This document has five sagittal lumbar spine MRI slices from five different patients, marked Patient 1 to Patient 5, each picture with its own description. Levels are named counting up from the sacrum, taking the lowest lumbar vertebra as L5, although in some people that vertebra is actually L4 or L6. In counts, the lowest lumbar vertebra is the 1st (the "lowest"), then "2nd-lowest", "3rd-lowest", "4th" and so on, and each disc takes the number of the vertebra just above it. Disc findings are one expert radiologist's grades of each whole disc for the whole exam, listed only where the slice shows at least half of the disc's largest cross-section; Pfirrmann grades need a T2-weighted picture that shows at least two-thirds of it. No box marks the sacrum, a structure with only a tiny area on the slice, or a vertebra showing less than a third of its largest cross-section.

Patient 1 of 5:
Image 547x552, Sagittal slice index 5, Lumbar spine MR, T2-weighted, sagittal 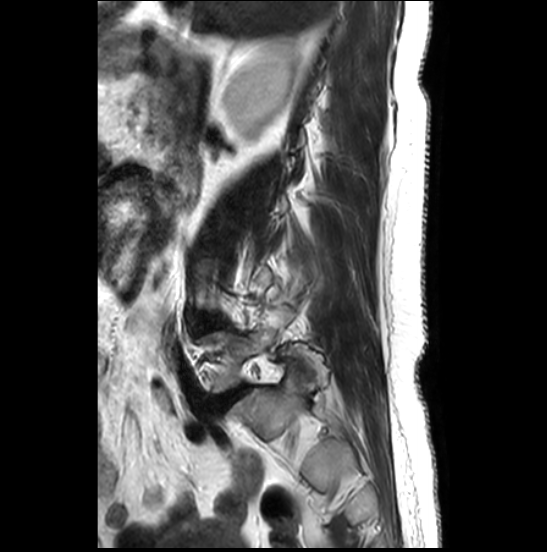

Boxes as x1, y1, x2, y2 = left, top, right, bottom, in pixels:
* L5 vertebra = 203, 330, 274, 392
* disc L5/S1 = 211, 386, 247, 411

Patient 2 of 5:
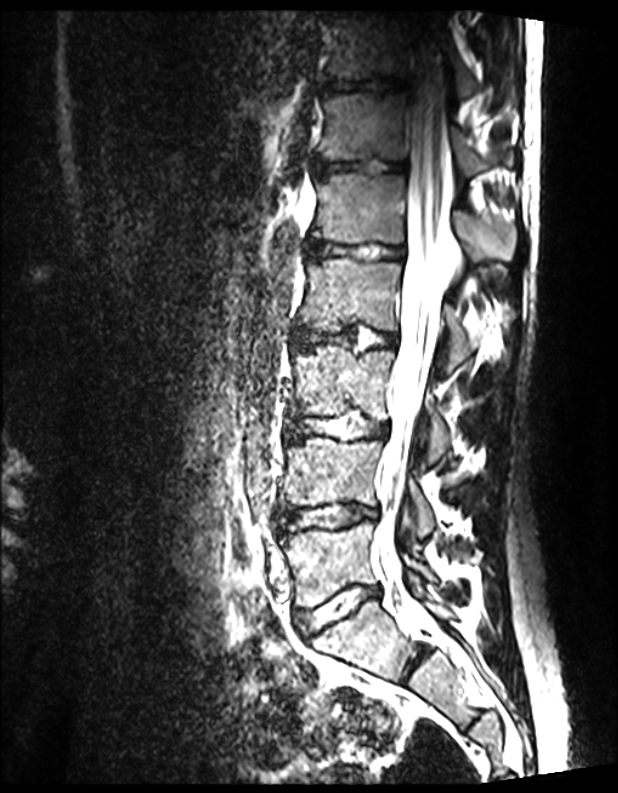
Image 618x793, Sex M, Sagittal T2 SPACE (3D) lumbar spine MRI
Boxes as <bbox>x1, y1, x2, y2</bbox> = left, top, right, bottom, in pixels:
6th vertebra — <bbox>317, 92, 512, 175</bbox> | 5th disc — <bbox>307, 238, 404, 260</bbox> | 4th disc — <bbox>293, 327, 398, 348</bbox> | 2nd-lowest vertebra — <bbox>282, 437, 434, 536</bbox> | 3rd-lowest vertebra — <bbox>292, 346, 449, 462</bbox> | 7th vertebra — <bbox>328, 14, 476, 97</bbox> | 5th vertebra — <bbox>313, 173, 518, 260</bbox> | 7th disc — <bbox>321, 77, 404, 93</bbox> | lowest vertebra — <bbox>281, 522, 435, 606</bbox> | 2nd-lowest disc — <bbox>279, 503, 377, 533</bbox> | 6th disc — <bbox>313, 159, 406, 175</bbox> | thecal sac / spinal canal — <bbox>371, 32, 449, 599</bbox> | 4th vertebra — <bbox>299, 258, 490, 371</bbox> | lowest disc — <bbox>299, 586, 378, 636</bbox> | 3rd-lowest disc — <bbox>289, 413, 387, 439</bbox>

Radiological gradings:
• 3rd-lowest disc: Pfirrmann grade 1
• 4th disc: Pfirrmann grade 1
• 2nd-lowest disc: Pfirrmann grade 1
• 5th disc: Pfirrmann grade 1
• lowest disc: Pfirrmann grade 1
• 6th disc: Pfirrmann grade 1
• 7th disc: Pfirrmann grade 1

Patient 3 of 5:
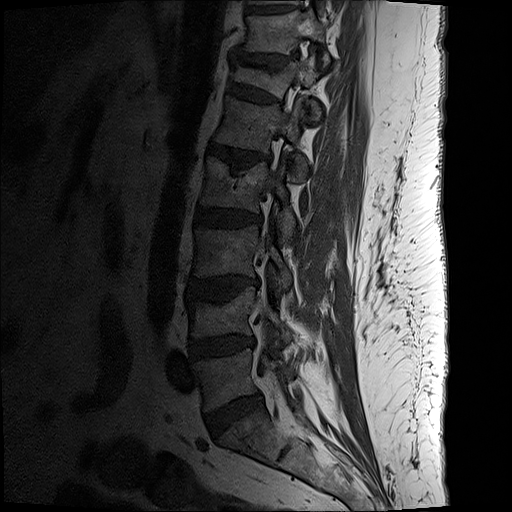 Sagittal T1-weighted lumbar spine MRI, Field of view 300x300 mm, slice spacing 3.3 mm, Sagittal slice index 5
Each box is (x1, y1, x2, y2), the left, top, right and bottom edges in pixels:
Structures:
• L5 at (195, 349, 293, 411)
• L1 vertebra at (215, 99, 306, 182)
• disc L3/L4 at (189, 277, 257, 299)
• disc L1/L2 at (208, 145, 260, 169)
• disc T11/T12 at (234, 54, 297, 72)
• T10/T11 at (247, 8, 290, 14)
• L5/S1 at (206, 393, 262, 434)
• L4 at (186, 287, 293, 341)
• thecal sac / spinal canal at (258, 314, 281, 402)
• T11 vertebra at (245, 11, 329, 66)
• L3 at (194, 225, 292, 290)
• L4/L5 at (190, 337, 250, 358)
• L2 vertebra at (201, 158, 295, 241)
• disc T12/L1 at (228, 84, 278, 103)
• T12 vertebra at (232, 58, 321, 120)
• L2/L3 at (195, 208, 261, 228)

Expert MSK radiologist gradings (per disc):
  L1/L2: disc bulging, lower-endplate change, upper-endplate change, Modic type II, disc narrowing
  L4/L5: disc bulging, disc narrowing
  T11/T12: disc narrowing, disc bulging, upper-endplate change, lower-endplate change
  L2/L3: lower-endplate change, disc bulging
  T12/L1: spondylolisthesis, upper-endplate change, lower-endplate change, disc bulging
  L3/L4: Modic type II, upper-endplate change, lower-endplate change, disc bulging
  L5/S1: disc bulging

Patient 4 of 5:
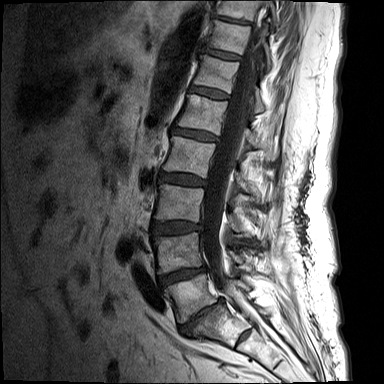 T1-weighted sagittal MRI of the lumbar spine. Sex F. Sagittal slice index 8.
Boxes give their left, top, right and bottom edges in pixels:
T10: left=215, top=0, right=276, bottom=23.
L3/L4: left=151, top=221, right=201, bottom=234.
Disc L2/L3: left=160, top=173, right=206, bottom=186.
T12: left=194, top=55, right=265, bottom=112.
T11 vertebra: left=206, top=20, right=271, bottom=69.
Disc L4/L5: left=158, top=266, right=206, bottom=286.
T11/T12: left=202, top=47, right=240, bottom=59.
L1 vertebra: left=177, top=94, right=278, bottom=160.
L1/L2: left=172, top=127, right=219, bottom=141.
Spinal canal: left=202, top=8, right=265, bottom=328.
L5/S1: left=179, top=298, right=223, bottom=334.
Disc T10/T11: left=213, top=14, right=251, bottom=25.
L3: left=154, top=184, right=240, bottom=232.
L4: left=153, top=232, right=243, bottom=273.
L5 vertebra: left=164, top=273, right=251, bottom=323.
Disc T12/L1: left=191, top=86, right=228, bottom=99.
L2: left=163, top=136, right=249, bottom=191.

Per-level radiological findings:
• T12/L1: Modic type II
• L3/L4: disc bulging
• T11/T12: Modic type II, upper-endplate change
• L2/L3: disc bulging
• L5/S1: lower-endplate change, disc bulging, upper-endplate change, Modic type II, disc narrowing
• L4/L5: Modic type II, lower-endplate change, upper-endplate change, disc bulging, disc narrowing
• L1/L2: disc bulging
• T10/T11: Modic type II, lower-endplate change, disc narrowing

Patient 5 of 5:
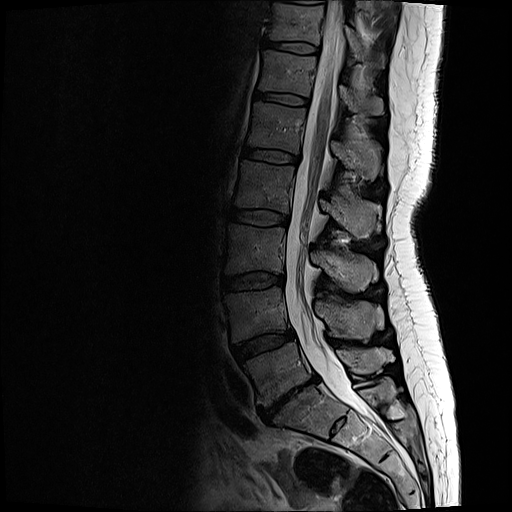 Slice 10 of 17 | Lumbar spine MR, T2-weighted, sagittal | Field of view 300x300 mm
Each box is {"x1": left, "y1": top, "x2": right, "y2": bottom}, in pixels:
Structures:
• L4/L5 (2nd-lowest disc) — {"x1": 233, "y1": 330, "x2": 292, "y2": 361}
• thecal sac / spinal canal — {"x1": 283, "y1": 1, "x2": 374, "y2": 419}
• L3 (3rd-lowest vertebra) — {"x1": 224, "y1": 225, "x2": 377, "y2": 292}
• T12 (6th vertebra) — {"x1": 259, "y1": 50, "x2": 381, "y2": 113}
• L5 (lowest vertebra) — {"x1": 244, "y1": 342, "x2": 391, "y2": 406}
• IVD T12/L1 (6th disc) — {"x1": 255, "y1": 92, "x2": 306, "y2": 105}
• L2 (4th vertebra) — {"x1": 234, "y1": 161, "x2": 378, "y2": 240}
• T11 (7th vertebra) — {"x1": 270, "y1": 4, "x2": 359, "y2": 57}
• L1/L2 (5th disc) — {"x1": 243, "y1": 147, "x2": 296, "y2": 163}
• IVD L3/L4 (3rd-lowest disc) — {"x1": 221, "y1": 271, "x2": 282, "y2": 291}
• IVD L2/L3 (4th disc) — {"x1": 226, "y1": 208, "x2": 286, "y2": 224}
• T11/T12 (7th disc) — {"x1": 266, "y1": 40, "x2": 316, "y2": 52}
• L5/S1 (lowest disc) — {"x1": 258, "y1": 376, "x2": 316, "y2": 420}
• L4 (2nd-lowest vertebra) — {"x1": 223, "y1": 286, "x2": 382, "y2": 341}
• L1 (5th vertebra) — {"x1": 247, "y1": 102, "x2": 377, "y2": 178}

Radiological gradings:
- T12/L1 (6th disc): Pfirrmann grade 2
- L3/L4 (3rd-lowest disc): Pfirrmann grade 2, disc bulging
- L5/S1 (lowest disc): Pfirrmann grade 5, Modic type III, disc herniation, lower-endplate change, upper-endplate change, disc narrowing, disc bulging
- L1/L2 (5th disc): Pfirrmann grade 2
- L2/L3 (4th disc): Pfirrmann grade 2
- L4/L5 (2nd-lowest disc): Pfirrmann grade 3, disc bulging
- T11/T12 (7th disc): Pfirrmann grade 2